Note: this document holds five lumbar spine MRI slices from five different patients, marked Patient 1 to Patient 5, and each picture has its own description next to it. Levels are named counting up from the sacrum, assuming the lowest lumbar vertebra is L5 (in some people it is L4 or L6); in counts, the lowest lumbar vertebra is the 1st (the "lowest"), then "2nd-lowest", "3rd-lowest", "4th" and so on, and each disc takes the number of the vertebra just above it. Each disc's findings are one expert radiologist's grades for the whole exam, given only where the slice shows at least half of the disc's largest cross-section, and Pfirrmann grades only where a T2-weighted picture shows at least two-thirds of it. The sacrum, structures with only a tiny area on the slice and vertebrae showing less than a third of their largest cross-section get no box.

Patient 1 of 5:
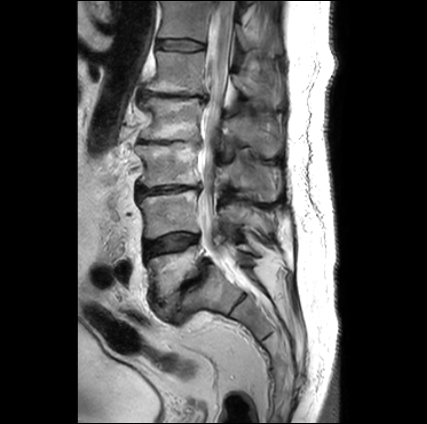
Sagittal T2-weighted lumbar spine MRI

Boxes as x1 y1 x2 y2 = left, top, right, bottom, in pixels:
{"L3/L4": "136 184 202 197", "intervertebral disc T12/L1": "157 40 204 50", "T12": "158 1 281 52", "intervertebral disc L2/L3": "139 139 183 143", "L4": "139 190 270 238", "intervertebral disc L4/L5": "144 232 198 257", "intervertebral disc L5/S1": "155 259 211 317", "intervertebral disc L1/L2": "141 89 206 99", "L5": "147 244 254 301", "thecal sac / spinal canal": "198 1 246 283", "L1 vertebra": "145 51 282 105", "L2": "140 96 280 156", "L3 vertebra": "135 141 280 200"}

Degenerative findings by level:
• L3/L4: Pfirrmann grade 5, upper-endplate change, lower-endplate change, disc narrowing, Modic type II, disc bulging
• L1/L2: Pfirrmann grade 5, lower-endplate change, Modic type II, upper-endplate change, disc narrowing, disc herniation, disc bulging
• L4/L5: Pfirrmann grade 3, Modic type II
• T12/L1: Pfirrmann grade 2
• L5/S1: Pfirrmann grade 5, spondylolisthesis, disc narrowing, disc bulging, upper-endplate change, lower-endplate change, Modic type II

Patient 2 of 5:
T2-weighted sagittal MRI of the lumbar spine; 343x349 px; Slice 26/43
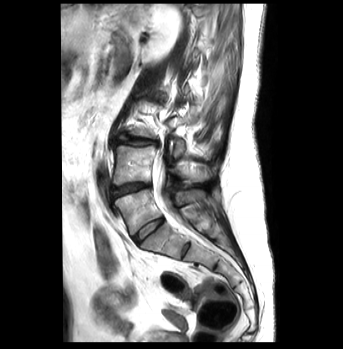 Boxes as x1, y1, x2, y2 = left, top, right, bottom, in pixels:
Lowest vertebra: 115, 190, 205, 235.
Spinal canal: 153, 154, 179, 221.
2nd-lowest vertebra: 113, 145, 208, 185.
Lowest disc: 133, 218, 163, 243.
3rd-lowest disc: 117, 133, 157, 145.
2nd-lowest disc: 110, 182, 149, 198.

Expert MSK radiologist gradings (per disc):
- lowest disc: Pfirrmann grade 1
- 3rd-lowest disc: Pfirrmann grade 3, disc bulging, Modic type II
- 2nd-lowest disc: Pfirrmann grade 4, lower-endplate change, disc narrowing, disc bulging, Modic type II

Patient 3 of 5:
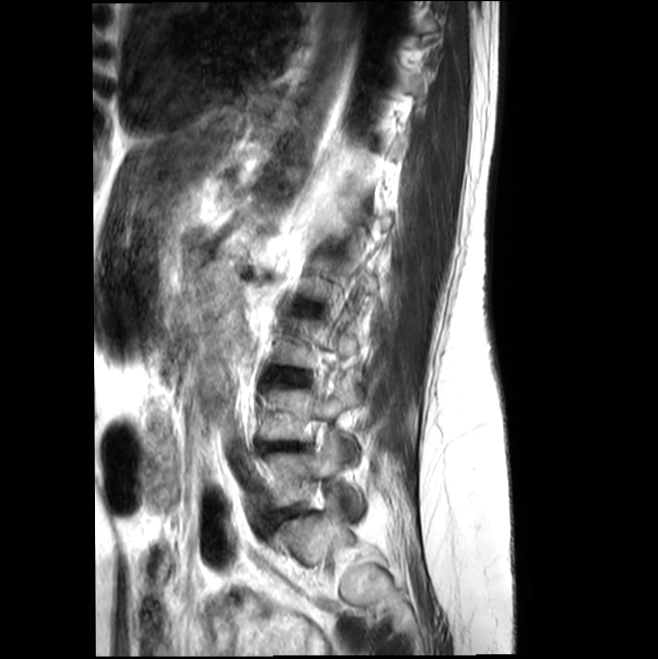

Slice 14 of 17 | Lumbar spine MR, T2-weighted, sagittal | Image 658x659
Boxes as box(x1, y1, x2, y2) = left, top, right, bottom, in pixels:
{"L4": "box(259, 388, 359, 457)", "intervertebral disc L3/L4": "box(286, 371, 305, 383)", "L5/S1": "box(271, 509, 298, 522)", "intervertebral disc L4/L5": "box(259, 443, 299, 450)", "L5": "box(262, 433, 362, 510)"}

Patient 4 of 5:
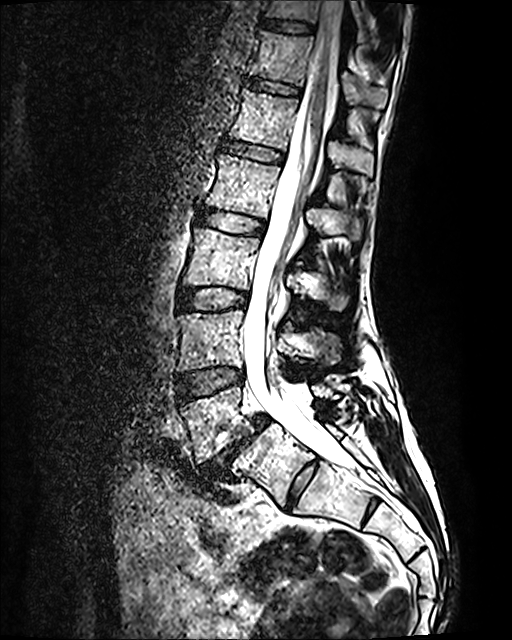

T2 SPACE (3D) sagittal MRI of the lumbar spine. Slice 64/120.
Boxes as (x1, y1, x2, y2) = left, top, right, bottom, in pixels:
3rd-lowest disc: (178, 288, 247, 310).
5th vertebra: (229, 89, 373, 176).
7th disc: (261, 19, 314, 32).
3rd-lowest vertebra: (183, 228, 349, 310).
Lowest disc: (201, 415, 269, 479).
5th disc: (224, 141, 283, 163).
2nd-lowest disc: (177, 367, 243, 402).
6th disc: (246, 78, 299, 94).
Lowest vertebra: (180, 381, 343, 462).
2nd-lowest vertebra: (177, 310, 333, 370).
Spinal canal: (242, 0, 352, 470).
6th vertebra: (250, 31, 387, 108).
7th vertebra: (266, 0, 365, 41).
4th vertebra: (206, 154, 361, 246).
4th disc: (197, 207, 264, 234).

Radiological gradings:
• 5th disc: Pfirrmann grade 2
• 7th disc: Pfirrmann grade 2
• 4th disc: Pfirrmann grade 2
• 6th disc: Pfirrmann grade 2
• 2nd-lowest disc: Pfirrmann grade 2
• lowest disc: Pfirrmann grade 5, spondylolisthesis, Modic type II, disc bulging, disc narrowing
• 3rd-lowest disc: Pfirrmann grade 2

Patient 5 of 5:
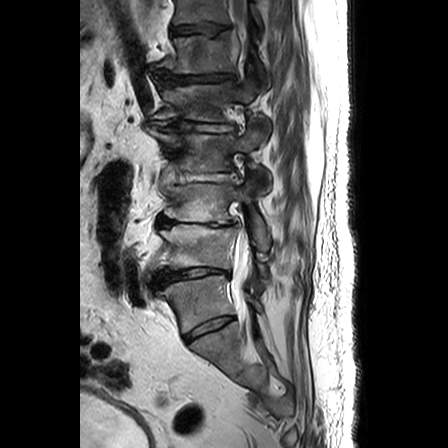 Image 448x448 | Sagittal T2-weighted lumbar spine MRI
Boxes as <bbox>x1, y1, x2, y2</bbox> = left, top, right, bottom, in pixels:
IVD L3/L4 (3rd-lowest disc) at <bbox>157, 217, 237, 227</bbox> | IVD T12/L1 (6th disc) at <bbox>156, 70, 233, 83</bbox> | L2/L3 (4th disc) at <bbox>180, 173, 226, 181</bbox> | T11/T12 (7th disc) at <bbox>171, 23, 228, 36</bbox> | spinal canal at <bbox>229, 0, 251, 295</bbox> | L3 (3rd-lowest vertebra) at <bbox>164, 178, 270, 250</bbox> | L4/L5 (2nd-lowest disc) at <bbox>154, 268, 228, 286</bbox> | L2 (4th vertebra) at <bbox>150, 126, 270, 191</bbox> | IVD L1/L2 (5th disc) at <bbox>155, 120, 232, 131</bbox> | L5 (lowest vertebra) at <bbox>156, 275, 261, 332</bbox> | T12 (6th vertebra) at <bbox>157, 32, 269, 87</bbox> | IVD L5/S1 (lowest disc) at <bbox>185, 317, 232, 341</bbox> | L1 (5th vertebra) at <bbox>154, 77, 270, 131</bbox> | T11 (7th vertebra) at <bbox>173, 0, 263, 29</bbox> | L4 (2nd-lowest vertebra) at <bbox>151, 224, 267, 277</bbox>

Per-level radiological findings:
• L5/S1 (lowest disc): Pfirrmann grade 4, disc narrowing
• T11/T12 (7th disc): Pfirrmann grade 3, disc narrowing, disc bulging, upper-endplate change
• L1/L2 (5th disc): Pfirrmann grade 4, disc narrowing, disc bulging
• L4/L5 (2nd-lowest disc): Pfirrmann grade 5, disc bulging, disc narrowing, Modic type II, disc herniation
• L3/L4 (3rd-lowest disc): Pfirrmann grade 5, disc bulging, disc herniation, Modic type II, disc narrowing
• L2/L3 (4th disc): disc narrowing, disc bulging
• T12/L1 (6th disc): Pfirrmann grade 4, disc narrowing, disc bulging, disc herniation